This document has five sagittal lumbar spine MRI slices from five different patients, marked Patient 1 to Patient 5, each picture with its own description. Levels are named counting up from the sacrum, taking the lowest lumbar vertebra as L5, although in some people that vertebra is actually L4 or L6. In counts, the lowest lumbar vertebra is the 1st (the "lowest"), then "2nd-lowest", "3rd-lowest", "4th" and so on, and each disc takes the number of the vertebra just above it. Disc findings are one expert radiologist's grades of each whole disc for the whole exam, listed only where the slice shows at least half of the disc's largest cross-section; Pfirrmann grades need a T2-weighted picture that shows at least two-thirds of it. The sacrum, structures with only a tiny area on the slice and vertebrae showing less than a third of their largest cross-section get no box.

Patient 1 of 5:
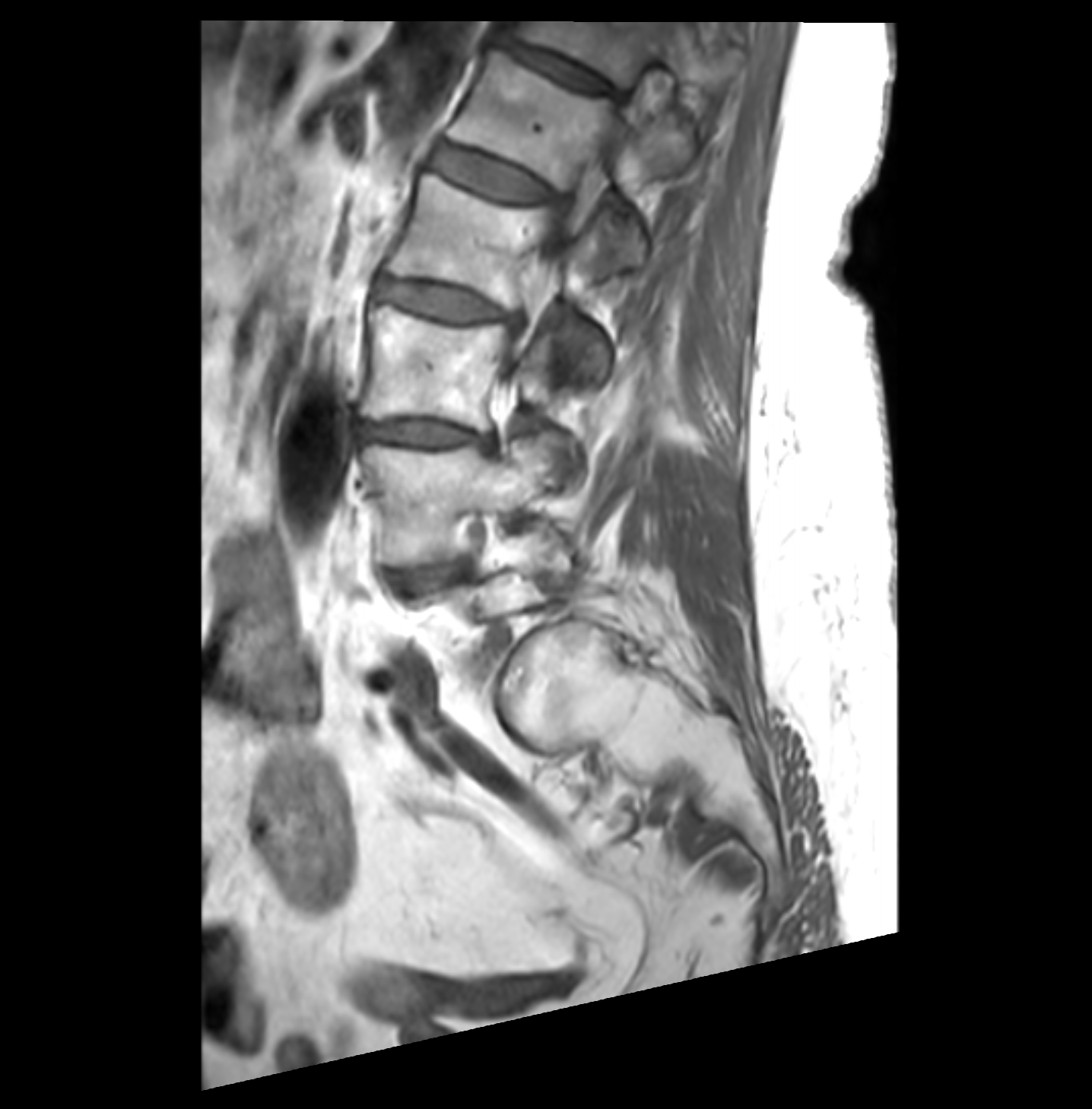 Field of view 283x287 mm, slice spacing 3.4 mm; Sagittal T1-weighted lumbar spine MRI
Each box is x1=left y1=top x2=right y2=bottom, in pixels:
L3 (3rd-lowest vertebra) at x1=362 y1=302 x2=560 y2=429, L4 (2nd-lowest vertebra) at x1=362 y1=435 x2=557 y2=564, T12/L1 (6th disc) at x1=503 y1=40 x2=615 y2=96, L1 (5th vertebra) at x1=447 y1=49 x2=690 y2=189, disc L2/L3 (4th disc) at x1=380 y1=279 x2=520 y2=328, T12 (6th vertebra) at x1=509 y1=19 x2=662 y2=84, disc L3/L4 (3rd-lowest disc) at x1=358 y1=420 x2=494 y2=450, L4/L5 (2nd-lowest disc) at x1=397 y1=560 x2=469 y2=591, spinal canal at x1=509 y1=139 x2=611 y2=372, L2 (4th vertebra) at x1=389 y1=173 x2=646 y2=388, L1/L2 (5th disc) at x1=433 y1=144 x2=548 y2=202.

Degenerative findings by level:
  T12/L1 (6th disc): disc bulging
  L3/L4 (3rd-lowest disc): disc narrowing, disc bulging, Modic type II
  L1/L2 (5th disc): Modic type II
  L2/L3 (4th disc): Modic type II, disc bulging

Patient 2 of 5:
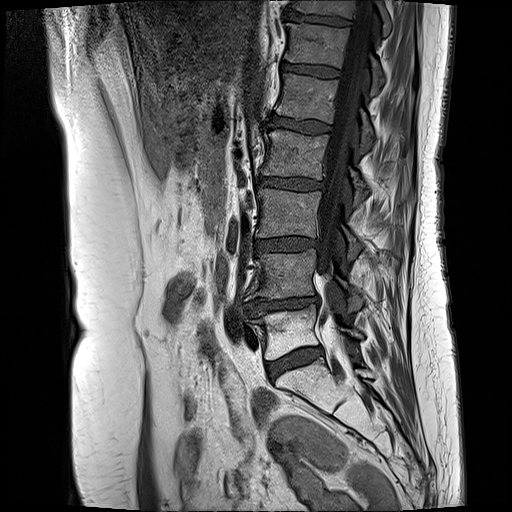 T1-weighted sagittal MRI of the lumbar spine; Sex F

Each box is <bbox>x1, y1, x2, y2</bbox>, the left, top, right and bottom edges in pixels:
Annotations:
- IVD L5/S1 = <bbox>267, 346, 323, 379</bbox>
- L2 vertebra = <bbox>263, 130, 367, 206</bbox>
- L3/L4 = <bbox>255, 238, 318, 250</bbox>
- T12 = <bbox>286, 22, 383, 95</bbox>
- IVD L1/L2 = <bbox>268, 115, 330, 133</bbox>
- L1 = <bbox>276, 73, 374, 153</bbox>
- L4/L5 = <bbox>245, 295, 318, 314</bbox>
- T11/T12 = <bbox>285, 11, 350, 24</bbox>
- thecal sac / spinal canal = <bbox>318, 1, 374, 276</bbox>
- L5 vertebra = <bbox>252, 305, 362, 359</bbox>
- IVD T12/L1 = <bbox>281, 62, 340, 77</bbox>
- L4 = <bbox>247, 249, 362, 313</bbox>
- IVD L2/L3 = <bbox>258, 178, 324, 189</bbox>
- L3 = <bbox>256, 188, 359, 260</bbox>
- T11 vertebra = <bbox>293, 0, 390, 35</bbox>

Radiological gradings:
  L1/L2: Modic type II
  L5/S1: Modic type II, disc bulging
  L4/L5: disc bulging, Modic type II, disc narrowing, upper-endplate change, lower-endplate change
  T11/T12: lower-endplate change, upper-endplate change, Modic type II
  L2/L3: Modic type II, disc bulging
  T12/L1: Modic type II
  L3/L4: disc bulging, Modic type II

Patient 3 of 5:
Sex M; Sagittal T2 SPACE (3D) lumbar spine MRI
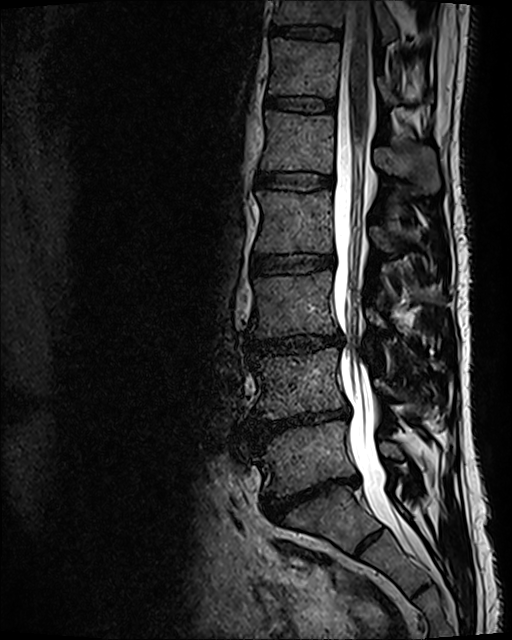

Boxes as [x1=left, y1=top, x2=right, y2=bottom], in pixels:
* 5th disc at [x1=258, y1=172, x2=333, y2=190]
* 7th vertebra at [x1=273, y1=0, x2=400, y2=42]
* lowest disc at [x1=261, y1=475, x2=359, y2=520]
* thecal sac / spinal canal at [x1=333, y1=1, x2=429, y2=565]
* 7th disc at [x1=269, y1=25, x2=338, y2=39]
* 5th vertebra at [x1=261, y1=111, x2=439, y2=192]
* 4th disc at [x1=253, y1=254, x2=333, y2=273]
* 2nd-lowest disc at [x1=253, y1=407, x2=349, y2=444]
* 4th vertebra at [x1=256, y1=190, x2=393, y2=253]
* 6th disc at [x1=266, y1=95, x2=334, y2=111]
* 3rd-lowest disc at [x1=248, y1=335, x2=342, y2=353]
* lowest vertebra at [x1=256, y1=422, x2=402, y2=495]
* 2nd-lowest vertebra at [x1=253, y1=348, x2=423, y2=419]
* 3rd-lowest vertebra at [x1=250, y1=271, x2=385, y2=337]
* 6th vertebra at [x1=269, y1=39, x2=432, y2=104]

Expert MSK radiologist gradings (per disc):
- 7th disc: Pfirrmann grade 2
- 5th disc: Pfirrmann grade 2
- 4th disc: Pfirrmann grade 2
- 3rd-lowest disc: Pfirrmann grade 3, disc bulging, disc narrowing
- 6th disc: Pfirrmann grade 2
- lowest disc: Pfirrmann grade 5, disc narrowing, lower-endplate change, disc bulging, spondylolisthesis
- 2nd-lowest disc: Pfirrmann grade 5, disc bulging, disc narrowing, lower-endplate change, Modic type II

Patient 4 of 5:
Field of view 281x281 mm, slice spacing 3.3 mm. Lumbar spine MR, T2-weighted, sagittal.

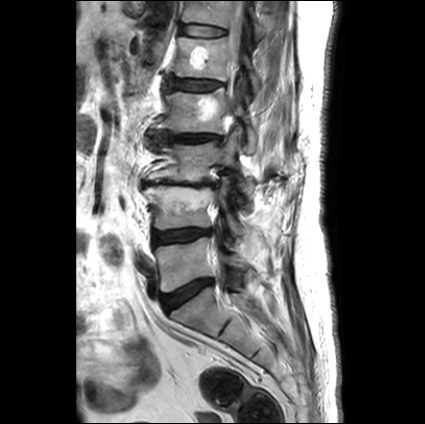
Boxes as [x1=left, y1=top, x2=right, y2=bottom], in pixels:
T12: [x1=182, y1=1, x2=265, y2=37].
Intervertebral disc T12/L1: [x1=181, y1=24, x2=224, y2=36].
L4/L5: [x1=153, y1=228, x2=210, y2=245].
L3 vertebra: [x1=146, y1=127, x2=254, y2=199].
Intervertebral disc L1/L2: [x1=167, y1=74, x2=222, y2=91].
L2/L3: [x1=149, y1=132, x2=222, y2=143].
Intervertebral disc L5/S1: [x1=162, y1=279, x2=212, y2=312].
Intervertebral disc L3/L4: [x1=143, y1=181, x2=218, y2=187].
L5: [x1=154, y1=237, x2=248, y2=292].
Spinal canal: [x1=209, y1=1, x2=245, y2=256].
L2 vertebra: [x1=151, y1=81, x2=257, y2=152].
L4 vertebra: [x1=143, y1=179, x2=245, y2=235].
L1: [x1=174, y1=37, x2=261, y2=92].

Radiological gradings:
  L1/L2: Pfirrmann grade 4, lower-endplate change, disc bulging, upper-endplate change
  L5/S1: Pfirrmann grade 1, disc bulging
  L2/L3: Pfirrmann grade 1, disc narrowing, disc bulging, upper-endplate change, lower-endplate change
  T12/L1: Pfirrmann grade 2
  L4/L5: Pfirrmann grade 2, disc bulging
  L3/L4: disc bulging, upper-endplate change, disc narrowing, Modic type II, lower-endplate change

Patient 5 of 5:
Lumbar spine MR, T2-weighted, sagittal; 439x441 px; Field of view 280x281 mm, slice spacing 4.4 mm; Sex M

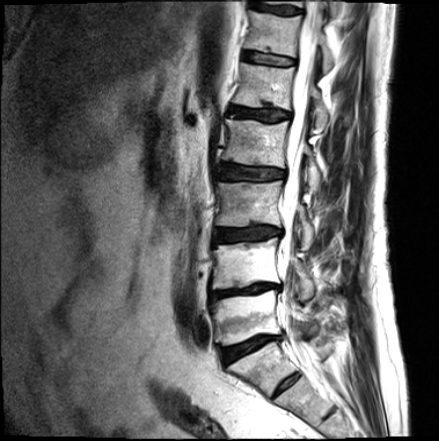

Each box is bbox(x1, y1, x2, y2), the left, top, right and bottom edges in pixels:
Structures:
- IVD L1/L2: bbox(229, 105, 289, 121)
- IVD L4/L5: bbox(210, 283, 278, 301)
- thecal sac / spinal canal: bbox(282, 0, 320, 367)
- L1 vertebra: bbox(234, 63, 328, 128)
- IVD L2/L3: bbox(219, 164, 284, 179)
- IVD T11/T12: bbox(251, 2, 300, 13)
- L4: bbox(212, 238, 314, 300)
- L5 vertebra: bbox(211, 290, 318, 345)
- L2 vertebra: bbox(224, 119, 320, 192)
- IVD L5/S1: bbox(221, 335, 282, 364)
- T11: bbox(265, 0, 336, 14)
- T12: bbox(244, 11, 333, 72)
- L3 vertebra: bbox(217, 181, 313, 249)
- L3/L4: bbox(214, 226, 281, 242)
- T12/L1: bbox(243, 51, 293, 64)

Degenerative findings by level:
- T12/L1: Pfirrmann grade 2, upper-endplate change, lower-endplate change
- T11/T12: Pfirrmann grade 3
- L1/L2: Pfirrmann grade 3, upper-endplate change, lower-endplate change
- L3/L4: Pfirrmann grade 3, upper-endplate change, disc bulging, lower-endplate change
- L4/L5: Pfirrmann grade 5, upper-endplate change, disc narrowing, disc bulging, lower-endplate change, Modic type II
- L5/S1: Pfirrmann grade 4, Modic type II, disc bulging, upper-endplate change, disc narrowing, lower-endplate change
- L2/L3: Pfirrmann grade 3, upper-endplate change, lower-endplate change